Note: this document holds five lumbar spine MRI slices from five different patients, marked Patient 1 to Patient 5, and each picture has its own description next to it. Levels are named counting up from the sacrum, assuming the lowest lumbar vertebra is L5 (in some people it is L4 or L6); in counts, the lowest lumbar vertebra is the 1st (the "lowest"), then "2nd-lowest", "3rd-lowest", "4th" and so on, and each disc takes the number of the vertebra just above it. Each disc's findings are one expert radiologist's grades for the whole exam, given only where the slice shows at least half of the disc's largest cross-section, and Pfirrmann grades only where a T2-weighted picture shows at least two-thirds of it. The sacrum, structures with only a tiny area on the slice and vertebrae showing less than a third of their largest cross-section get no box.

Patient 1 of 5:
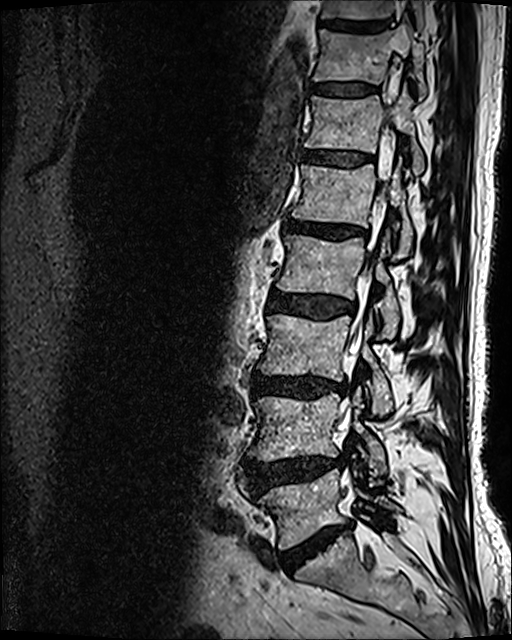
Sex M. MRI lumbar spine (T2 SPACE (3D)), sagittal plane. Field of view 240x300 mm, slice spacing 0.9 mm. Image 512x640.
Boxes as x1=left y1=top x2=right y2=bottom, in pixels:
Thecal sac / spinal canal — x1=341 y1=189 x2=385 y2=428.
L1/L2 — x1=286 y1=219 x2=366 y2=238.
Disc L3/L4 — x1=253 y1=376 x2=347 y2=398.
L5 — x1=259 y1=470 x2=399 y2=549.
L1 vertebra — x1=292 y1=158 x2=412 y2=257.
T10/T11 — x1=321 y1=19 x2=387 y2=31.
Disc L2/L3 — x1=268 y1=289 x2=356 y2=319.
Disc T11/T12 — x1=313 y1=84 x2=375 y2=96.
T12 — x1=305 y1=86 x2=424 y2=175.
T12/L1 — x1=303 y1=151 x2=373 y2=166.
L2 — x1=276 y1=230 x2=398 y2=337.
T11 vertebra — x1=314 y1=18 x2=426 y2=98.
L4 — x1=249 y1=393 x2=386 y2=476.
L4/L5 — x1=245 y1=455 x2=344 y2=489.
T10 vertebra — x1=321 y1=0 x2=424 y2=30.
L5/S1 — x1=282 y1=524 x2=350 y2=571.
L3 — x1=257 y1=312 x2=392 y2=415.

Degenerative findings by level:
• T11/T12: Pfirrmann grade 3
• L3/L4: Pfirrmann grade 4, lower-endplate change, Modic type II, disc narrowing, disc bulging
• L5/S1: Pfirrmann grade 5, lower-endplate change, Modic type II, disc bulging, disc narrowing
• L4/L5: Pfirrmann grade 4, disc bulging, disc herniation
• L1/L2: Pfirrmann grade 4, lower-endplate change, disc narrowing, Modic type II, disc bulging, upper-endplate change
• T12/L1: Pfirrmann grade 3
• L2/L3: Pfirrmann grade 3, disc bulging

Patient 2 of 5:
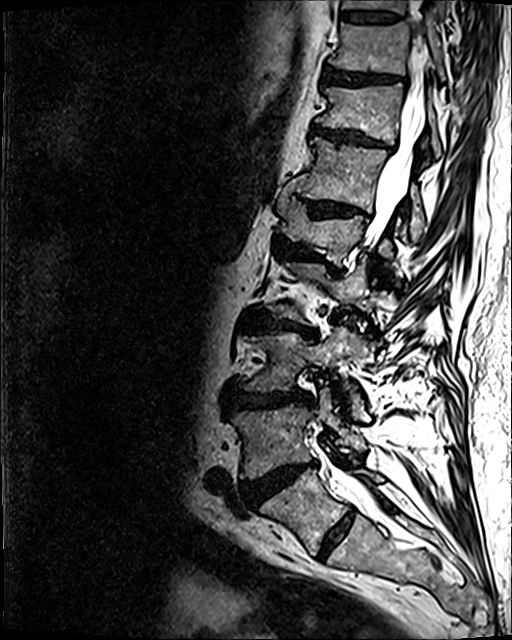
Lumbar spine MR, T2 SPACE (3D), sagittal, Field of view 240x300 mm, slice spacing 0.9 mm, Image 512x640

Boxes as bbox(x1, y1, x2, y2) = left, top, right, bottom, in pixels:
Structures:
* 7th vertebra: bbox(317, 83, 440, 158)
* 5th disc: bbox(276, 240, 329, 261)
* lowest disc: bbox(318, 511, 353, 557)
* 5th vertebra: bbox(278, 192, 393, 259)
* 6th vertebra: bbox(291, 137, 426, 243)
* 9th disc: bbox(342, 11, 398, 22)
* 2nd-lowest disc: bbox(244, 462, 314, 504)
* 2nd-lowest vertebra: bbox(234, 388, 366, 478)
* spinal canal: bbox(346, 49, 427, 489)
* 3rd-lowest disc: bbox(231, 386, 311, 411)
* 8th vertebra: bbox(329, 14, 445, 83)
* 3rd-lowest vertebra: bbox(245, 325, 377, 416)
* 6th disc: bbox(306, 201, 368, 217)
* lowest vertebra: bbox(260, 469, 383, 554)
* 7th disc: bbox(313, 125, 392, 150)
* 8th disc: bbox(325, 69, 404, 85)
* 4th disc: bbox(249, 313, 315, 337)

Expert MSK radiologist gradings (per disc):
  8th disc: Pfirrmann grade 4, disc bulging, upper-endplate change, lower-endplate change
  9th disc: Pfirrmann grade 3, lower-endplate change
  4th disc: upper-endplate change, Modic type II, lower-endplate change, disc bulging, disc narrowing
  7th disc: Pfirrmann grade 4, lower-endplate change, disc bulging, upper-endplate change, disc narrowing
  3rd-lowest disc: Pfirrmann grade 4, disc bulging, upper-endplate change, lower-endplate change, disc narrowing
  6th disc: lower-endplate change, disc narrowing, upper-endplate change, disc bulging
  2nd-lowest disc: Pfirrmann grade 5, disc narrowing, disc bulging, disc herniation, lower-endplate change, upper-endplate change, Modic type II
  lowest disc: no Modic or endplate change, herniation, narrowing, bulging or spondylolisthesis recorded

Patient 3 of 5:
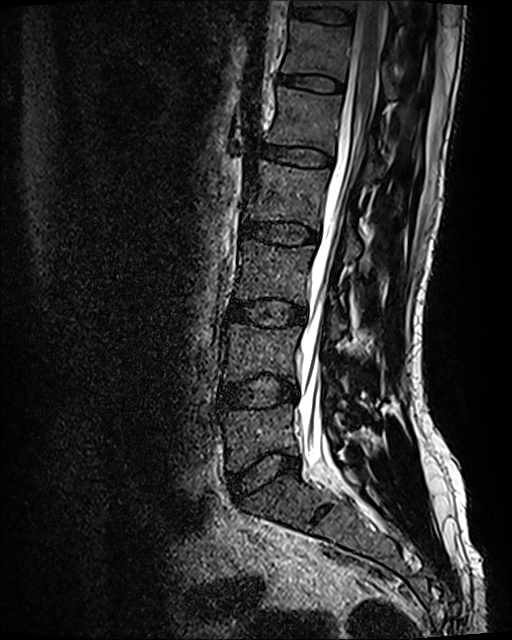 Image 512x640. Patient sex: M. T2 SPACE (3D) sagittal MRI of the lumbar spine. Slice 64/120.
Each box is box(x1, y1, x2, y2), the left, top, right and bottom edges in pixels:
Annotations:
• 7th disc: box(290, 6, 353, 24)
• 4th vertebra: box(245, 160, 361, 263)
• spinal canal: box(298, 1, 383, 465)
• 3rd-lowest disc: box(228, 301, 305, 326)
• 2nd-lowest disc: box(221, 376, 298, 410)
• 2nd-lowest vertebra: box(224, 324, 340, 394)
• 7th vertebra: box(295, 0, 420, 19)
• 3rd-lowest vertebra: box(235, 239, 346, 337)
• lowest vertebra: box(220, 403, 338, 471)
• 6th disc: box(278, 75, 342, 92)
• 5th vertebra: box(267, 87, 383, 181)
• 4th disc: box(242, 221, 317, 245)
• lowest disc: box(230, 451, 299, 499)
• 5th disc: box(261, 143, 332, 166)
• 6th vertebra: box(282, 20, 398, 100)

Expert MSK radiologist gradings (per disc):
  lowest disc: Pfirrmann grade 2, disc bulging
  2nd-lowest disc: Pfirrmann grade 2, disc bulging
  3rd-lowest disc: Pfirrmann grade 2, disc bulging
  5th disc: Pfirrmann grade 2
  7th disc: Pfirrmann grade 2
  6th disc: Pfirrmann grade 2
  4th disc: Pfirrmann grade 2

Patient 4 of 5:
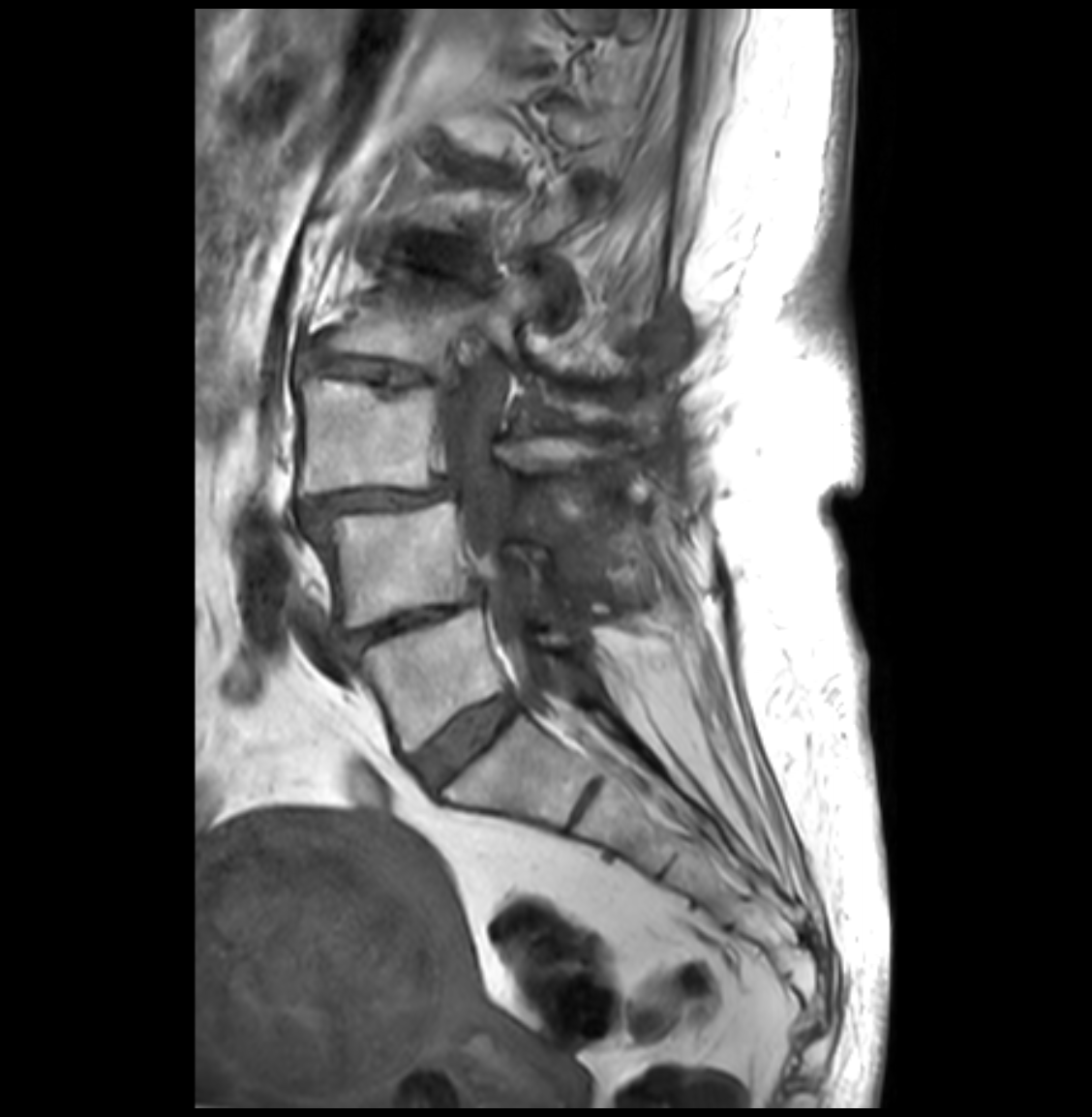
Slice 17 of 33, Patient sex: F, T1-weighted sagittal MRI of the lumbar spine
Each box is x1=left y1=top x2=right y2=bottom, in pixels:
Segmented structures:
• disc L2/L3 (4th disc): x1=300 y1=335 x2=457 y2=386
• L4 (2nd-lowest vertebra): x1=310 y1=501 x2=633 y2=627
• L1/L2 (5th disc): x1=414 y1=260 x2=462 y2=278
• L3 (3rd-lowest vertebra): x1=300 y1=379 x2=591 y2=494
• spinal canal: x1=439 y1=329 x2=535 y2=692
• L2 (4th vertebra): x1=331 y1=272 x2=664 y2=426
• L5 (lowest vertebra): x1=361 y1=609 x2=574 y2=751
• disc L4/L5 (2nd-lowest disc): x1=342 y1=590 x2=482 y2=653
• disc L3/L4 (3rd-lowest disc): x1=300 y1=483 x2=455 y2=520
• L5/S1 (lowest disc): x1=409 y1=696 x2=516 y2=787

Radiological gradings:
  L2/L3 (4th disc): disc narrowing, lower-endplate change, disc bulging, upper-endplate change
  L4/L5 (2nd-lowest disc): disc narrowing, disc bulging
  L3/L4 (3rd-lowest disc): spondylolisthesis, disc narrowing, disc bulging
  L5/S1 (lowest disc): no herniation, bulging, narrowing, spondylolisthesis, endplate or Modic change recorded

Patient 5 of 5:
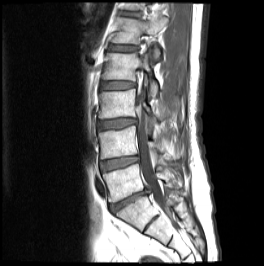 Slice spacing 4.7 mm, MRI lumbar spine (T1-weighted), sagittal plane, Slice 14 of 24, Image 264x266
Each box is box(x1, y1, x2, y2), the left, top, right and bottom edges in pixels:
5th vertebra: box(112, 14, 167, 59)
5th disc: box(110, 46, 136, 51)
lowest vertebra: box(103, 164, 182, 202)
2nd-lowest disc: box(100, 156, 138, 170)
6th disc: box(121, 12, 138, 16)
4th vertebra: box(102, 51, 158, 96)
3rd-lowest disc: box(98, 118, 136, 128)
spinal canal: box(136, 91, 170, 215)
4th disc: box(101, 81, 135, 89)
lowest disc: box(110, 187, 150, 212)
3rd-lowest vertebra: box(98, 89, 163, 121)
2nd-lowest vertebra: box(98, 126, 181, 159)

Degenerative findings by level:
• 2nd-lowest disc: disc bulging
• 3rd-lowest disc: disc bulging, upper-endplate change
• 6th disc: upper-endplate change, lower-endplate change
• 4th disc: Modic type II
• 5th disc: lower-endplate change, upper-endplate change, Modic type II
• lowest disc: disc bulging, Modic type II, disc herniation, disc narrowing